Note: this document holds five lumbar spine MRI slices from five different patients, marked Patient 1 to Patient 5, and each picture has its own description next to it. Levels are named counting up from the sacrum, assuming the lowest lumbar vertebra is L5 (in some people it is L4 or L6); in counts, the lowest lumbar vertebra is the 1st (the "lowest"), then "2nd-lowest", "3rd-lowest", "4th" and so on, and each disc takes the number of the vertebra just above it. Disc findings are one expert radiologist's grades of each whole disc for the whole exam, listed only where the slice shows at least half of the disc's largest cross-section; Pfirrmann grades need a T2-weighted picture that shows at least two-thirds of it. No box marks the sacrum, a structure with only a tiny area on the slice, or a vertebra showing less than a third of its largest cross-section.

Patient 1 of 5:
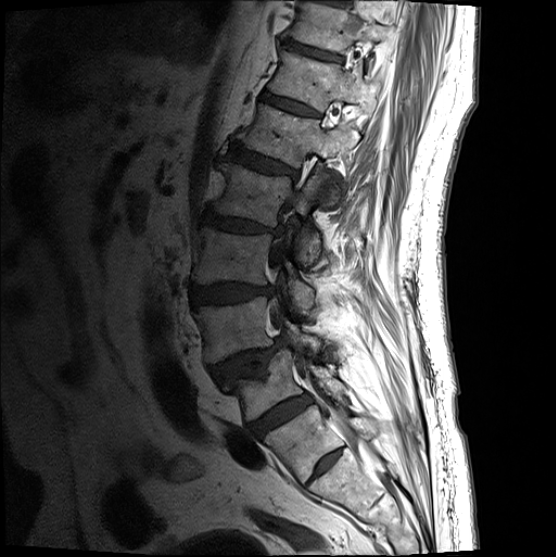

Sagittal T1-weighted lumbar spine MRI

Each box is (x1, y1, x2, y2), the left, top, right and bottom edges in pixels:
L1/L2 at (229, 148, 298, 180).
T11 at (292, 5, 390, 55).
Disc L2/L3 at (201, 213, 284, 238).
L1 vertebra at (243, 107, 359, 205).
L5 vertebra at (225, 349, 345, 422).
L3 at (192, 229, 314, 314).
L4 at (195, 299, 320, 364).
L3/L4 at (191, 285, 275, 306).
Disc T11/T12 at (285, 42, 342, 63).
T12/L1 at (262, 94, 319, 118).
T12 at (270, 53, 378, 114).
Disc L5/S1 at (249, 396, 312, 438).
L4/L5 at (211, 338, 287, 386).
Thecal sac / spinal canal at (270, 245, 376, 466).
L2 at (211, 164, 329, 265).

Degenerative findings by level:
- L4/L5: upper-endplate change, spondylolisthesis, disc herniation
- L1/L2: disc bulging, lower-endplate change, upper-endplate change
- T11/T12: lower-endplate change
- L3/L4: disc bulging
- L2/L3: upper-endplate change, disc bulging, lower-endplate change, disc narrowing
- T12/L1, L5/S1: no Modic or endplate change, herniation, narrowing, bulging or spondylolisthesis recorded

Patient 2 of 5:
SIEMENS Avanto_fit (1.5T) | Patient sex: F | T2-weighted sagittal MRI of the lumbar spine | Sagittal slice index 19

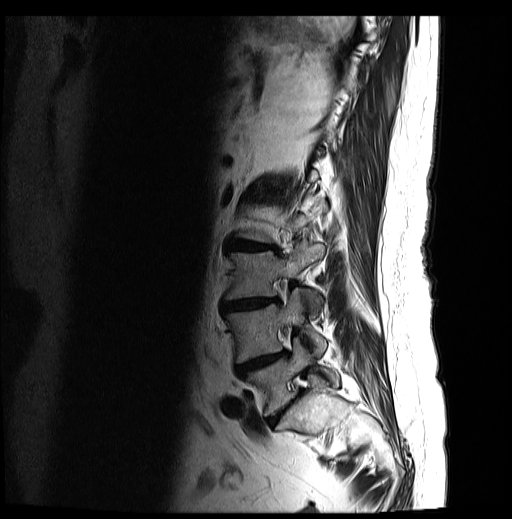 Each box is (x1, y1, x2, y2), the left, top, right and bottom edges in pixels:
Structures:
- L4/L5 at (234, 350, 288, 375)
- L5 vertebra at (243, 338, 339, 416)
- IVD L5/S1 at (266, 398, 295, 426)
- L3/L4 at (222, 297, 280, 311)
- L4 vertebra at (225, 287, 326, 362)
- IVD L2/L3 at (229, 241, 277, 250)
- L3 at (225, 241, 324, 314)

Degenerative findings by level:
- L2/L3: Pfirrmann grade 4, lower-endplate change, upper-endplate change, Modic type II, disc bulging, disc narrowing
- L4/L5: Pfirrmann grade 5, Modic type II, upper-endplate change, disc bulging, lower-endplate change, disc narrowing
- L3/L4: Pfirrmann grade 4, upper-endplate change, disc narrowing, Modic type II, disc bulging, lower-endplate change

Patient 3 of 5:
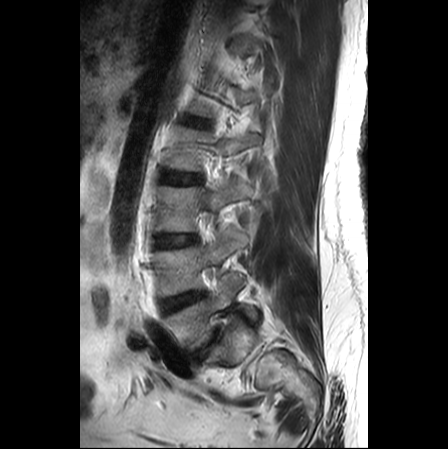

Lumbar spine MR, T2-weighted, sagittal. Sagittal slice index 18.
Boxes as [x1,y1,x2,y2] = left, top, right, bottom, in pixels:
4th disc at [159,172,200,184], 3rd-lowest disc at [153,235,197,246], lowest disc at [193,332,219,361], 2nd-lowest vertebra at [152,229,247,296], 4th vertebra at [162,124,260,171], 2nd-lowest disc at [159,292,205,313], 3rd-lowest vertebra at [152,177,251,231], lowest vertebra at [161,275,257,352].

Degenerative findings by level:
• 2nd-lowest disc: Modic type II, disc bulging
• 3rd-lowest disc: Pfirrmann grade 1
• 4th disc: no herniation, bulging, narrowing, spondylolisthesis, endplate or Modic change recorded

Patient 4 of 5:
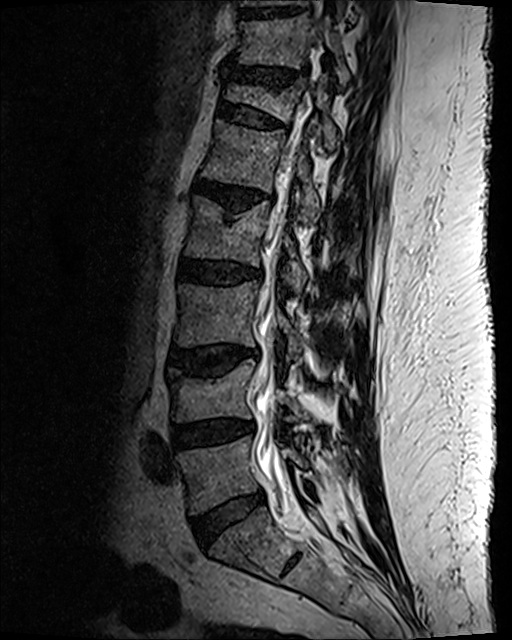 Sagittal slice index 47 | Sagittal T2 SPACE (3D) lumbar spine MRI
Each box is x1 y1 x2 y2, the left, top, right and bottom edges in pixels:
Annotations:
- lowest disc — 193 490 265 544
- 5th vertebra — 202 121 319 225
- 6th vertebra — 225 75 338 149
- 2nd-lowest vertebra — 168 359 304 422
- 2nd-lowest disc — 172 421 249 448
- 4th disc — 180 260 261 285
- 4th vertebra — 185 197 306 292
- 6th disc — 219 103 284 130
- 3rd-lowest disc — 170 346 258 374
- lowest vertebra — 178 437 305 514
- 8th disc — 242 10 299 18
- 7th vertebra — 239 14 348 84
- thecal sac / spinal canal — 255 139 297 510
- 3rd-lowest vertebra — 177 281 302 360
- 5th disc — 195 181 258 213
- 7th disc — 228 68 304 89

Per-level radiological findings:
• 4th disc: Pfirrmann grade 3, disc bulging, lower-endplate change
• 3rd-lowest disc: Pfirrmann grade 3, disc bulging, Modic type II, upper-endplate change, lower-endplate change
• 5th disc: Pfirrmann grade 3, lower-endplate change, upper-endplate change, Modic type II, disc narrowing, disc bulging
• 6th disc: Pfirrmann grade 2, spondylolisthesis, disc bulging, upper-endplate change, lower-endplate change
• lowest disc: Pfirrmann grade 2, disc bulging
• 7th disc: Pfirrmann grade 2, disc narrowing, disc bulging, lower-endplate change, upper-endplate change
• 2nd-lowest disc: Pfirrmann grade 3, disc bulging, disc narrowing

Patient 5 of 5:
Slice spacing 0.9 mm, 512x640 px, T2 SPACE (3D) sagittal MRI of the lumbar spine, SIEMENS Avanto_fit (1.5T), Slice 30/120

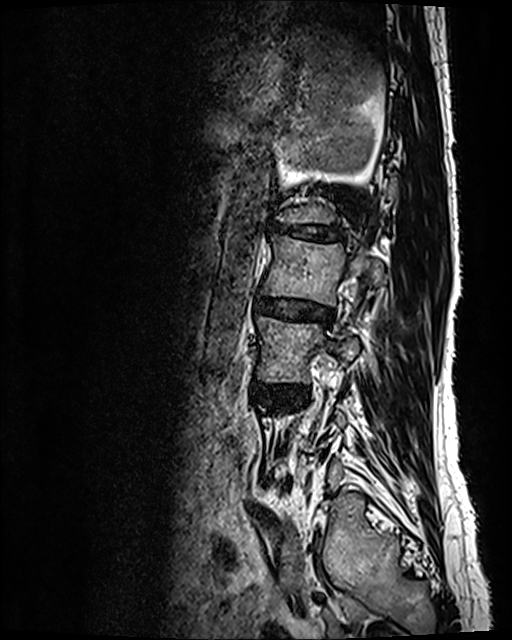
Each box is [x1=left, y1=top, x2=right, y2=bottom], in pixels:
- 4th disc — [x1=256, y1=298, x2=333, y2=323]
- 4th vertebra — [x1=262, y1=235, x2=384, y2=305]
- 5th disc — [x1=274, y1=224, x2=342, y2=240]
- 3rd-lowest disc — [x1=254, y1=383, x2=305, y2=404]
- 3rd-lowest vertebra — [x1=257, y1=317, x2=359, y2=382]

Expert MSK radiologist gradings (per disc):
  5th disc: Pfirrmann grade 5, lower-endplate change, upper-endplate change, Modic type II, disc bulging, disc narrowing
  3rd-lowest disc: disc bulging
  4th disc: Pfirrmann grade 3, disc narrowing, disc bulging